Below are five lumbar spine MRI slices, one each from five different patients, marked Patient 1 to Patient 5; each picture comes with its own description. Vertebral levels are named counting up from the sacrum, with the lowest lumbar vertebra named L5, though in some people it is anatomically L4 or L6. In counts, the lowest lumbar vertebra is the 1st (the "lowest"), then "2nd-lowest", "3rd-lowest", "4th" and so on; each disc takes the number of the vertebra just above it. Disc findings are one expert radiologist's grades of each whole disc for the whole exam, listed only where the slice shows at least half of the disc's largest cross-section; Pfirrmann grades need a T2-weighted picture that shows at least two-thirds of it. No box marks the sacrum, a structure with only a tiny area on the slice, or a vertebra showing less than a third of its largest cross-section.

Patient 1 of 5:
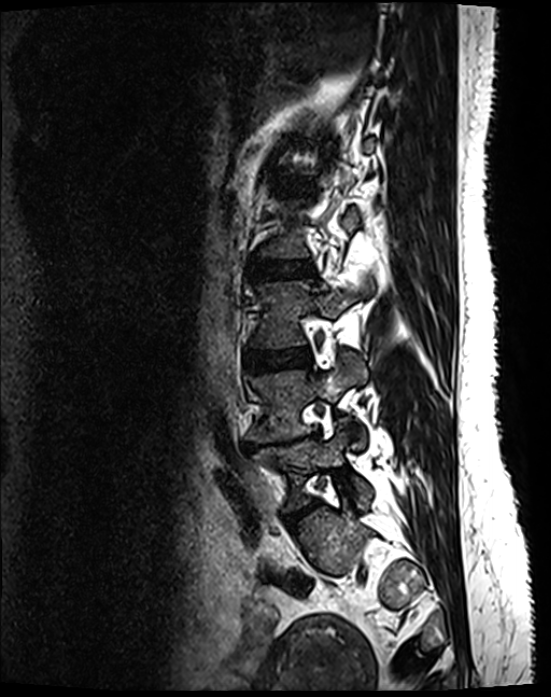 Sex F. Sagittal T2 SPACE (3D) lumbar spine MRI. Slice 46/130.

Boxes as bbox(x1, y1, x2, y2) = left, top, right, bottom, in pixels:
Lowest vertebra at bbox(252, 419, 371, 508); 2nd-lowest vertebra at bbox(248, 356, 366, 443); 4th disc at bbox(264, 261, 312, 277); 2nd-lowest disc at bbox(243, 432, 318, 450); 3rd-lowest vertebra at bbox(256, 282, 374, 348); 3rd-lowest disc at bbox(254, 348, 308, 369); lowest disc at bbox(287, 501, 317, 520).

Degenerative findings by level:
  4th disc, 3rd-lowest disc: no Modic or endplate change, herniation, narrowing, bulging or spondylolisthesis recorded

Patient 2 of 5:
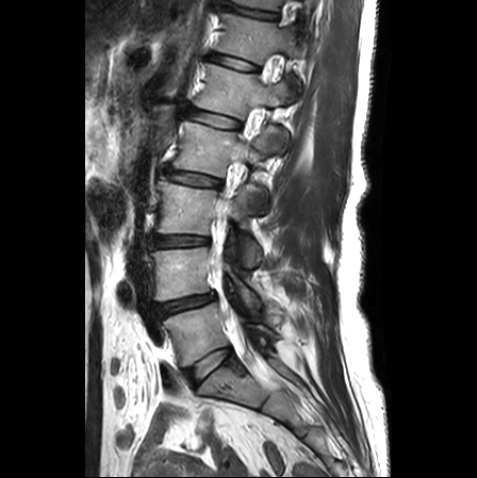 477x478 px | Lumbar spine MR, T2-weighted, sagittal | Slice spacing 3.3 mm | Slice 9 of 25 | Sex F

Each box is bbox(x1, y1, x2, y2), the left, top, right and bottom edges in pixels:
L5 vertebra: bbox(164, 303, 274, 366)
L3 vertebra: bbox(158, 177, 260, 266)
thecal sac / spinal canal: bbox(213, 198, 262, 372)
T11: bbox(226, 0, 281, 9)
L1: bbox(195, 64, 287, 119)
L1/L2: bbox(186, 107, 240, 129)
T12/L1: bbox(209, 53, 257, 71)
intervertebral disc L4/L5: bbox(155, 294, 215, 317)
T12 vertebra: bbox(216, 13, 300, 63)
L4: bbox(152, 247, 259, 307)
L5/S1: bbox(184, 348, 231, 385)
L2/L3: bbox(165, 168, 221, 187)
L3/L4: bbox(153, 236, 208, 247)
T11/T12: bbox(214, 4, 277, 19)
L2 vertebra: bbox(174, 120, 277, 176)

Degenerative findings by level:
  L4/L5: Pfirrmann grade 3, disc narrowing, disc bulging, lower-endplate change, upper-endplate change
  L5/S1: Pfirrmann grade 1
  L3/L4: Pfirrmann grade 2, disc narrowing, disc bulging
  T12/L1: Pfirrmann grade 1, upper-endplate change, lower-endplate change
  L2/L3: Pfirrmann grade 2, upper-endplate change, lower-endplate change, disc bulging
  L1/L2: Pfirrmann grade 1, upper-endplate change, lower-endplate change
  T11/T12: Pfirrmann grade 1, lower-endplate change, upper-endplate change, disc narrowing

Patient 3 of 5:
T2-weighted sagittal MRI of the lumbar spine | Sex F | Image 384x384

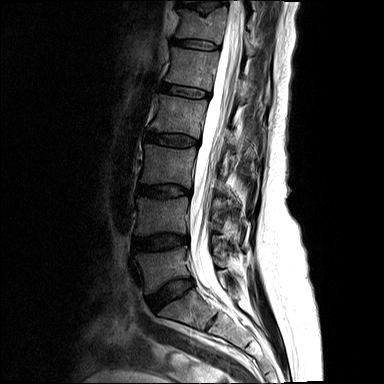 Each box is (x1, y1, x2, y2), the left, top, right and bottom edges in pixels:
- T12 at (176, 6, 254, 54)
- L1 at (166, 48, 247, 101)
- L5 vertebra at (135, 247, 226, 293)
- IVD L5/S1 at (147, 279, 193, 309)
- T12/L1 at (172, 40, 217, 49)
- IVD L4/L5 at (134, 234, 187, 249)
- L3 vertebra at (141, 144, 227, 194)
- T11/T12 at (179, 2, 224, 12)
- L3/L4 at (137, 185, 190, 197)
- L2 at (150, 95, 238, 149)
- spinal canal at (189, 0, 243, 298)
- IVD L2/L3 at (145, 132, 198, 146)
- L1/L2 at (161, 83, 208, 97)
- L4 vertebra at (135, 197, 223, 235)

Expert MSK radiologist gradings (per disc):
  T11/T12: Pfirrmann grade 3, lower-endplate change, upper-endplate change
  L3/L4: Pfirrmann grade 3, lower-endplate change, disc bulging, disc narrowing, upper-endplate change
  L1/L2: Pfirrmann grade 2
  L2/L3: Pfirrmann grade 3, disc bulging, lower-endplate change, upper-endplate change
  L4/L5: Pfirrmann grade 3, disc bulging
  L5/S1: Pfirrmann grade 3, disc bulging
  T12/L1: Pfirrmann grade 2

Patient 4 of 5:
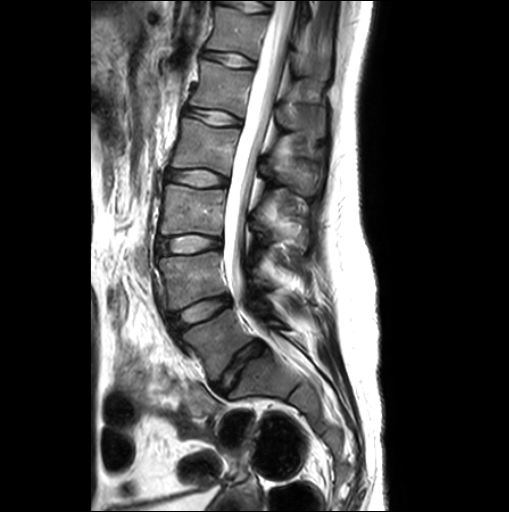 Slice 14/26, Sagittal T2-weighted lumbar spine MRI
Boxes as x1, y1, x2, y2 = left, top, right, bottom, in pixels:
• T12/L1 (6th disc) = 202, 51, 254, 67
• L2 (4th vertebra) = 172, 118, 316, 195
• disc L2/L3 (4th disc) = 163, 168, 228, 186
• L4/L5 (2nd-lowest disc) = 171, 295, 230, 331
• L3/L4 (3rd-lowest disc) = 156, 235, 220, 259
• disc L1/L2 (5th disc) = 184, 108, 240, 125
• L4 (2nd-lowest vertebra) = 157, 251, 272, 309
• L1 (5th vertebra) = 190, 60, 324, 137
• disc L5/S1 (lowest disc) = 214, 341, 264, 393
• T12 (6th vertebra) = 207, 6, 304, 73
• L5 (lowest vertebra) = 183, 309, 287, 380
• spinal canal = 224, 0, 295, 326
• L3 (3rd-lowest vertebra) = 160, 184, 276, 244

Per-level radiological findings:
• L4/L5 (2nd-lowest disc): Pfirrmann grade 1, disc bulging
• L3/L4 (3rd-lowest disc): Pfirrmann grade 1, disc bulging
• L2/L3 (4th disc): Pfirrmann grade 1
• T12/L1 (6th disc): Pfirrmann grade 1
• L5/S1 (lowest disc): Pfirrmann grade 3, upper-endplate change, lower-endplate change, disc bulging
• L1/L2 (5th disc): Pfirrmann grade 1

Patient 5 of 5:
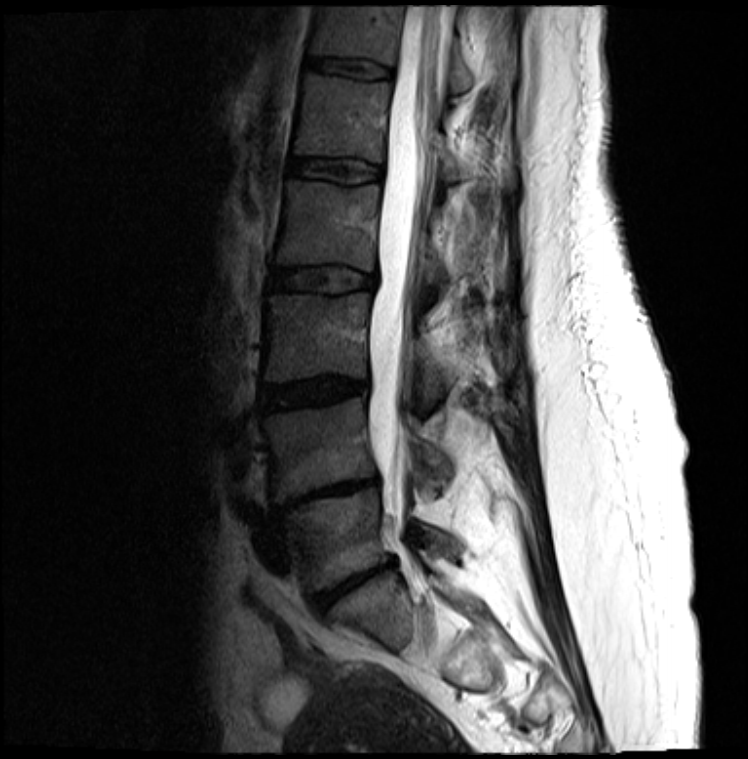 748x759 px | Slice 10 of 19 | MRI lumbar spine (T2-weighted), sagittal plane
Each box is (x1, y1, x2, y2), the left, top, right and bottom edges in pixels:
L4 (2nd-lowest vertebra) = (265, 398, 451, 501) | L2 (4th vertebra) = (273, 178, 449, 279) | T12 (6th vertebra) = (312, 6, 474, 89) | disc T12/L1 (6th disc) = (308, 57, 391, 77) | L5 (lowest vertebra) = (286, 488, 459, 587) | disc L1/L2 (5th disc) = (288, 158, 381, 183) | disc L4/L5 (2nd-lowest disc) = (285, 479, 375, 508) | L1 (5th vertebra) = (294, 72, 512, 181) | L5/S1 (lowest disc) = (314, 561, 391, 606) | L3 (3rd-lowest vertebra) = (265, 292, 451, 393) | L2/L3 (4th disc) = (269, 266, 375, 292) | spinal canal = (366, 5, 447, 522) | L3/L4 (3rd-lowest disc) = (261, 377, 365, 409)

Expert MSK radiologist gradings (per disc):
  L5/S1 (lowest disc): lower-endplate change, disc bulging, upper-endplate change, disc narrowing
  T12/L1 (6th disc): Pfirrmann grade 3
  L4/L5 (2nd-lowest disc): Pfirrmann grade 5, disc bulging, lower-endplate change, disc narrowing, upper-endplate change
  L3/L4 (3rd-lowest disc): Pfirrmann grade 4, disc bulging
  L2/L3 (4th disc): Pfirrmann grade 3, disc bulging
  L1/L2 (5th disc): Pfirrmann grade 3